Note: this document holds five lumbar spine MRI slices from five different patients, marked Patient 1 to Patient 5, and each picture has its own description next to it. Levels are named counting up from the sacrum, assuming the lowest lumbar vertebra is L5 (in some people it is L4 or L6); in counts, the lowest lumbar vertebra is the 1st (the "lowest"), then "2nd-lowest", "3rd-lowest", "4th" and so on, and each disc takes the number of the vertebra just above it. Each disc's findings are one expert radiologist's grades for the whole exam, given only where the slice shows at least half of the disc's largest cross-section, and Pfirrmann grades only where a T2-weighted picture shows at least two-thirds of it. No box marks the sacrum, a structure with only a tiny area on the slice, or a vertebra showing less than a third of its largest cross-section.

Patient 1 of 5:
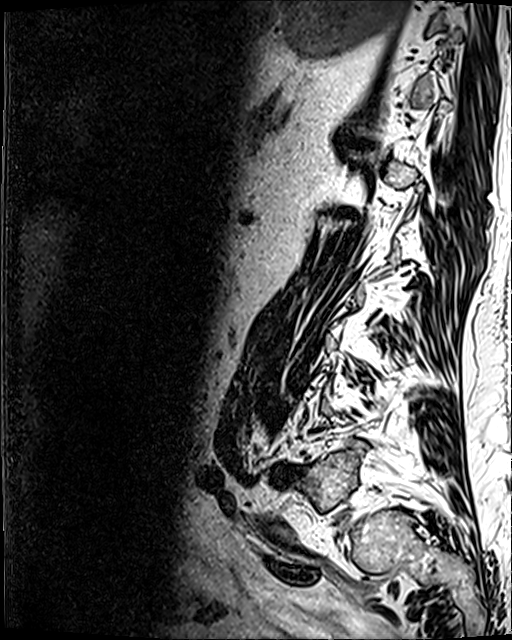 T2 SPACE (3D) sagittal MRI of the lumbar spine; Slice 100 of 120

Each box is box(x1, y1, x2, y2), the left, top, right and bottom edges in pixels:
- 2nd-lowest disc — box(285, 469, 298, 479)
- lowest vertebra — box(296, 442, 362, 511)

Patient 2 of 5:
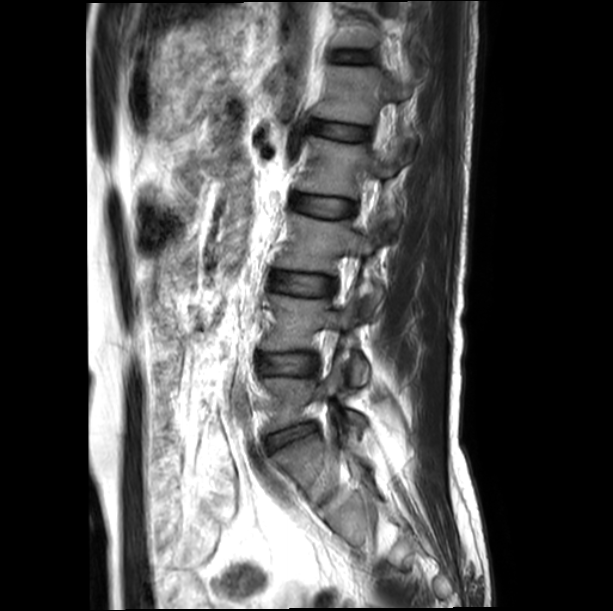 MRI lumbar spine (T2-weighted), sagittal plane. Field of view 310x308 mm, slice spacing 4.4 mm. Patient sex: M.
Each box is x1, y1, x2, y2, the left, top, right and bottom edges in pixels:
L3 (3rd-lowest vertebra) = 276, 213, 383, 316.
L2 (4th vertebra) = 298, 135, 408, 233.
L5 (lowest vertebra) = 262, 364, 365, 436.
L4 (2nd-lowest vertebra) = 261, 294, 370, 385.
Intervertebral disc L2/L3 (4th disc) = 293, 194, 355, 217.
Intervertebral disc L5/S1 (lowest disc) = 268, 424, 316, 450.
L1 (5th vertebra) = 317, 65, 423, 124.
Intervertebral disc L4/L5 (2nd-lowest disc) = 259, 354, 317, 374.
Intervertebral disc T12/L1 (6th disc) = 335, 51, 370, 61.
L1/L2 (5th disc) = 310, 121, 370, 140.
L3/L4 (3rd-lowest disc) = 271, 271, 335, 295.

Per-level radiological findings:
  L4/L5 (2nd-lowest disc): Pfirrmann grade 1
  L1/L2 (5th disc): Pfirrmann grade 1
  L3/L4 (3rd-lowest disc): Pfirrmann grade 1
  L2/L3 (4th disc): Pfirrmann grade 1

Patient 3 of 5:
Sagittal T2 SPACE (3D) lumbar spine MRI. Patient sex: F.
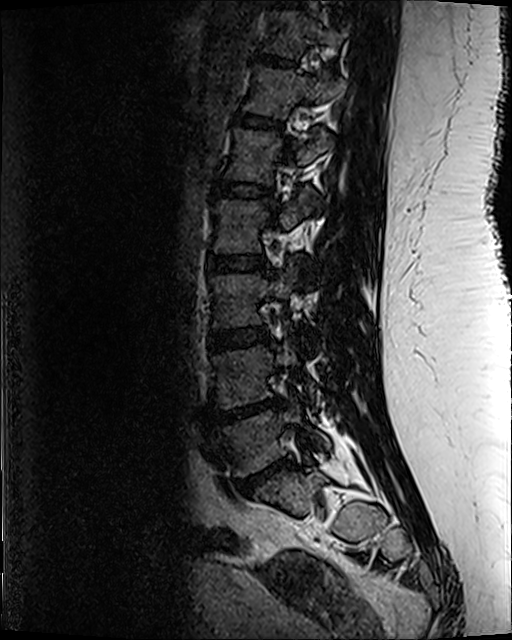
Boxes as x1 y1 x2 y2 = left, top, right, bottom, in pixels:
Structures:
• disc L2/L3 (4th disc) — 209 256 265 273
• T11 (7th vertebra) — 267 11 346 57
• L5 (lowest vertebra) — 213 399 330 475
• T10/T11 (8th disc) — 276 0 301 7
• L3 (3rd-lowest vertebra) — 213 267 312 327
• L1 (5th vertebra) — 227 130 332 184
• L4 (2nd-lowest vertebra) — 215 337 317 409
• disc T11/T12 (7th disc) — 258 56 286 63
• disc L1/L2 (5th disc) — 215 182 268 198
• L4/L5 (2nd-lowest disc) — 219 402 277 422
• T12 (6th vertebra) — 245 66 345 116
• L5/S1 (lowest disc) — 240 460 292 490
• L3/L4 (3rd-lowest disc) — 210 328 269 350
• L2 (4th vertebra) — 212 193 318 252
• disc T12/L1 (6th disc) — 237 113 281 128

Expert MSK radiologist gradings (per disc):
• L2/L3 (4th disc): Pfirrmann grade 3, lower-endplate change, upper-endplate change
• L5/S1 (lowest disc): upper-endplate change, disc herniation, disc narrowing, Modic type II, lower-endplate change
• L3/L4 (3rd-lowest disc): Pfirrmann grade 3
• L1/L2 (5th disc): Pfirrmann grade 3, lower-endplate change
• T12/L1 (6th disc): no spondylolisthesis, narrowing, bulging, herniation, Modic or endplate change recorded

Patient 4 of 5:
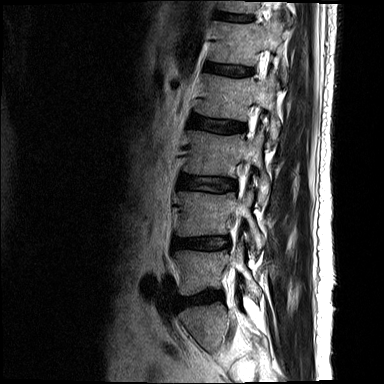 T2-weighted sagittal MRI of the lumbar spine; 384x384 px; Slice 13 of 16
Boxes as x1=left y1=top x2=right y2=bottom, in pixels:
L1: x1=209 y1=13 x2=286 y2=80.
L2 vertebra: x1=195 y1=74 x2=279 y2=144.
T12/L1: x1=218 y1=13 x2=253 y2=21.
Intervertebral disc L4/L5: x1=174 y1=238 x2=229 y2=249.
Intervertebral disc L2/L3: x1=189 y1=116 x2=246 y2=132.
L3/L4: x1=179 y1=176 x2=236 y2=191.
T12 vertebra: x1=221 y1=1 x2=258 y2=13.
Intervertebral disc L1/L2: x1=206 y1=64 x2=253 y2=76.
L3 vertebra: x1=184 y1=131 x2=269 y2=205.
L5: x1=175 y1=246 x2=261 y2=296.
L5/S1: x1=178 y1=292 x2=222 y2=307.
L4 vertebra: x1=176 y1=192 x2=266 y2=254.

Degenerative findings by level:
• L4/L5: Pfirrmann grade 3, disc herniation, disc bulging, disc narrowing
• T12/L1: lower-endplate change, upper-endplate change
• L3/L4: Pfirrmann grade 3, upper-endplate change
• L1/L2: Pfirrmann grade 3, upper-endplate change
• L2/L3: Pfirrmann grade 3, upper-endplate change

Patient 5 of 5:
Field of view 300x303 mm, Lumbar spine MR, T1-weighted, sagittal

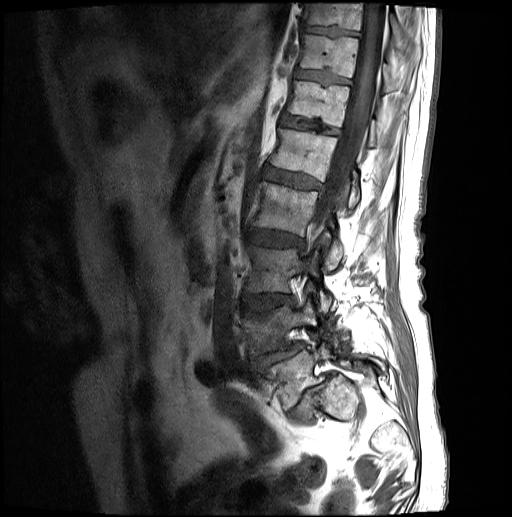 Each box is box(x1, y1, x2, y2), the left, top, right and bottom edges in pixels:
Intervertebral disc T11/T12 (7th disc): box(295, 70, 349, 84).
L1 (5th vertebra): box(270, 128, 360, 211).
L2 (4th vertebra): box(252, 181, 343, 270).
L5 (lowest vertebra): box(262, 343, 386, 409).
T10 (8th vertebra): box(303, 3, 420, 55).
L4/L5 (2nd-lowest disc): box(253, 343, 304, 368).
L4 (2nd-lowest vertebra): box(245, 300, 338, 355).
L5/S1 (lowest disc): box(289, 372, 334, 420).
L3 (3rd-lowest vertebra): box(246, 246, 334, 312).
Intervertebral disc T10/T11 (8th disc): box(302, 25, 358, 36).
L3/L4 (3rd-lowest disc): box(242, 294, 293, 310).
Thecal sac / spinal canal: box(314, 1, 386, 234).
T11 (7th vertebra): box(300, 34, 400, 90).
L1/L2 (5th disc): box(264, 167, 319, 188).
T12/L1 (6th disc): box(280, 115, 338, 134).
T12 (6th vertebra): box(287, 81, 377, 146).
L2/L3 (4th disc): box(247, 229, 303, 246).

Radiological gradings:
  L5/S1 (lowest disc): spondylolisthesis, disc herniation, Modic type II, disc narrowing
  L3/L4 (3rd-lowest disc): upper-endplate change, lower-endplate change, disc bulging
  L2/L3 (4th disc): disc bulging
  L1/L2 (5th disc), T10/T11 (8th disc), T11/T12 (7th disc), T12/L1 (6th disc): no Modic or endplate change, herniation, narrowing, bulging or spondylolisthesis recorded